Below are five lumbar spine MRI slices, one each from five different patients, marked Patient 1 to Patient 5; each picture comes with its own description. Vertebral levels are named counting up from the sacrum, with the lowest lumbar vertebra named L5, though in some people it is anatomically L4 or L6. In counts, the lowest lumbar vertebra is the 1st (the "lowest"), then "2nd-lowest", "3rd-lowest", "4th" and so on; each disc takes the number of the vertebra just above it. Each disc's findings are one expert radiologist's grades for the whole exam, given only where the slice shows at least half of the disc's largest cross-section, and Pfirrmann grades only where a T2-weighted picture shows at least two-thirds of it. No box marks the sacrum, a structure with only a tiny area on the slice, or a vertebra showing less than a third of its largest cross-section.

Patient 1 of 5:
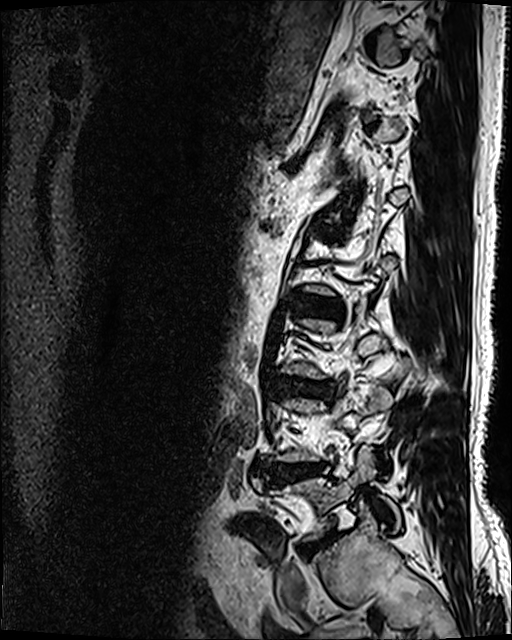 512x640 px; Slice 34 of 120; T2 SPACE (3D) sagittal MRI of the lumbar spine

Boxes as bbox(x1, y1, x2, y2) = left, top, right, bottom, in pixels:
L3/L4 (3rd-lowest disc): bbox(275, 377, 333, 398)
disc L5/S1 (lowest disc): bbox(311, 540, 328, 547)
L5 (lowest vertebra): bbox(282, 445, 400, 540)
disc L2/L3 (4th disc): bbox(308, 299, 335, 313)
L4/L5 (2nd-lowest disc): bbox(272, 464, 322, 481)

Per-level radiological findings:
- L3/L4 (3rd-lowest disc): Modic type II, disc narrowing, lower-endplate change, disc bulging

Patient 2 of 5:
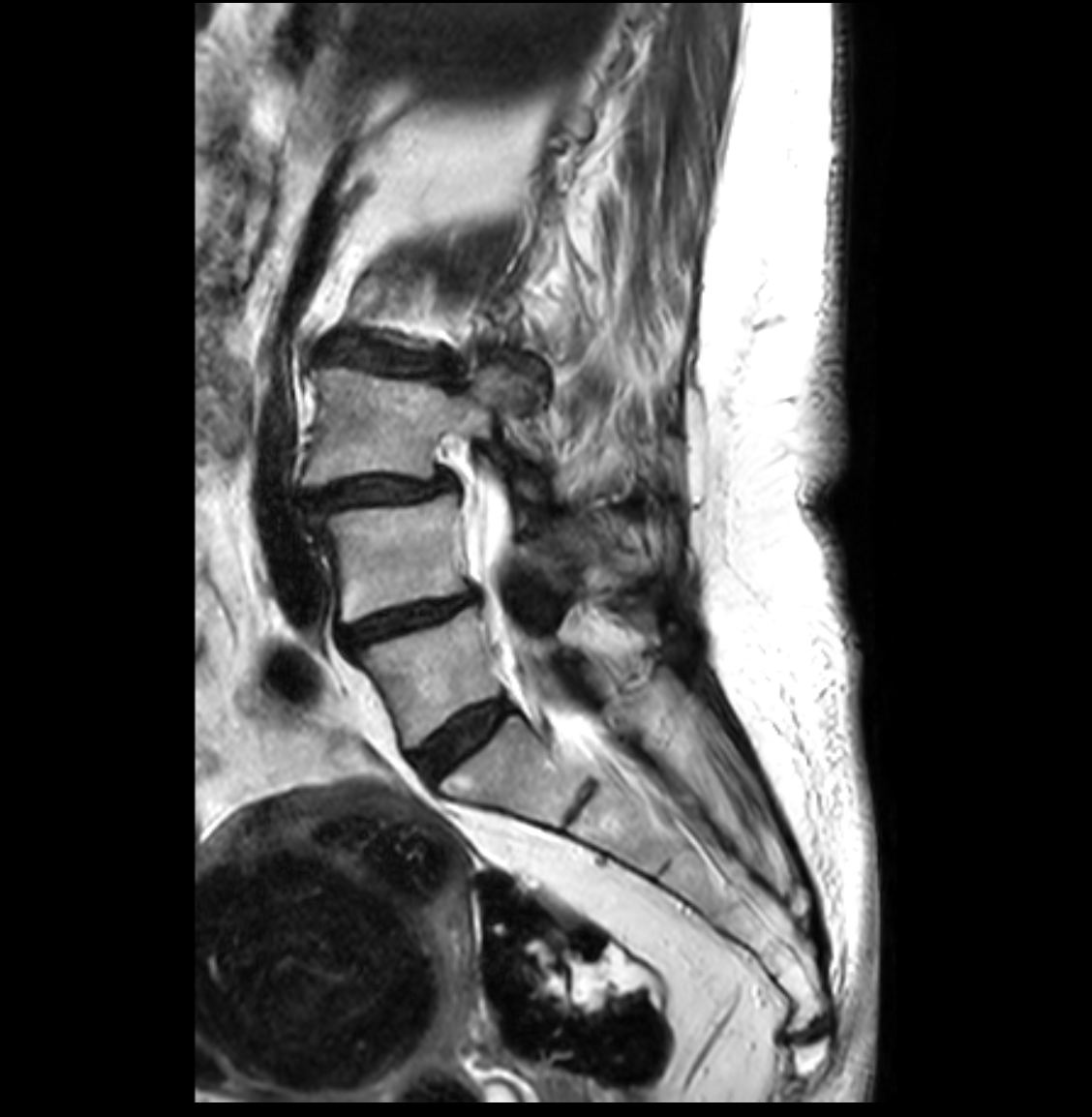 Lumbar spine MR, T2-weighted, sagittal

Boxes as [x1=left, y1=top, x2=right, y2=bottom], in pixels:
spinal canal — [x1=451, y1=440, x2=601, y2=731] | L3 — [x1=305, y1=366, x2=528, y2=487] | L3/L4 — [x1=305, y1=474, x2=452, y2=515] | L2/L3 — [x1=319, y1=338, x2=455, y2=379] | L4 — [x1=315, y1=495, x2=614, y2=622] | L4/L5 — [x1=342, y1=592, x2=477, y2=649] | L5/S1 — [x1=414, y1=701, x2=508, y2=779] | L5 — [x1=358, y1=608, x2=560, y2=746]

Radiological gradings:
  L3/L4: Pfirrmann grade 4, disc bulging, disc narrowing, spondylolisthesis
  L4/L5: Pfirrmann grade 4, disc narrowing, disc bulging
  L2/L3: Pfirrmann grade 4, lower-endplate change, disc bulging, disc narrowing, upper-endplate change
  L5/S1: Pfirrmann grade 2

Patient 3 of 5:
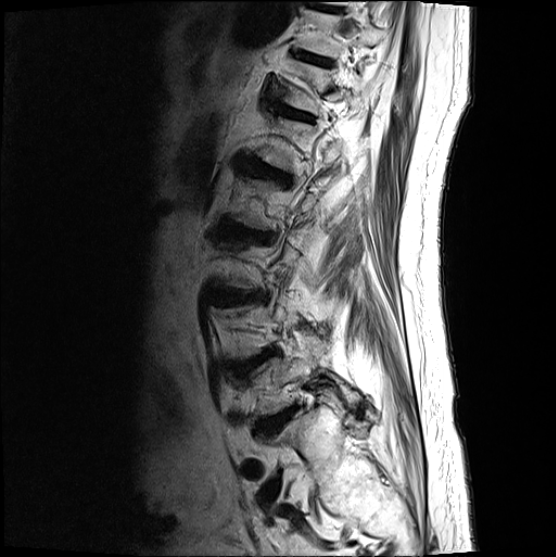 MRI lumbar spine (T2-weighted), sagittal plane

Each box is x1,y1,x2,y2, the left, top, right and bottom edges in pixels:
L5 = 246,350,360,415 | IVD L2/L3 = 250,233,270,239 | L3/L4 = 214,290,264,305 | L1/L2 = 240,159,290,182 | IVD L4/L5 = 236,348,276,375 | IVD L5/S1 = 259,407,295,433 | T11 = 296,9,387,57 | T11/T12 = 295,50,333,65 | IVD T12/L1 = 275,104,313,120

Radiological gradings:
• T11/T12: lower-endplate change
• L1/L2: upper-endplate change, disc bulging, lower-endplate change
• T12/L1: no herniation, bulging, narrowing, spondylolisthesis, endplate or Modic change recorded

Patient 4 of 5:
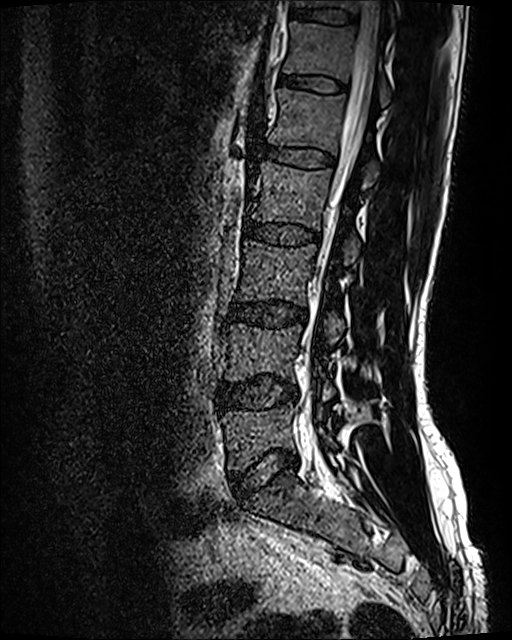 Sagittal T2 SPACE (3D) lumbar spine MRI | Sagittal slice index 67
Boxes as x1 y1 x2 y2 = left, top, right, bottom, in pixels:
T11/T12 at 290 7 356 24, T11 at 294 0 390 12, L5 vertebra at 221 402 336 471, IVD L4/L5 at 221 375 297 408, L1 at 268 88 378 186, T12 at 283 21 391 105, L3/L4 at 229 302 305 327, IVD T12/L1 at 280 75 344 92, spinal canal at 313 1 384 292, L3 at 236 240 344 343, L4 at 225 324 335 400, L2 vertebra at 247 160 360 264, IVD L2/L3 at 244 222 318 245, IVD L1/L2 at 261 144 333 167, IVD L5/S1 at 231 451 298 497.

Expert MSK radiologist gradings (per disc):
  T11/T12: Pfirrmann grade 2
  L1/L2: Pfirrmann grade 2
  L5/S1: Pfirrmann grade 2, disc bulging
  L2/L3: Pfirrmann grade 2
  T12/L1: Pfirrmann grade 2
  L4/L5: Pfirrmann grade 2, disc bulging
  L3/L4: Pfirrmann grade 2, disc bulging

Patient 5 of 5:
Philips Healthcare Ingenia (3T) | Sex M | Sagittal T1-weighted lumbar spine MRI | 1092x1108 px
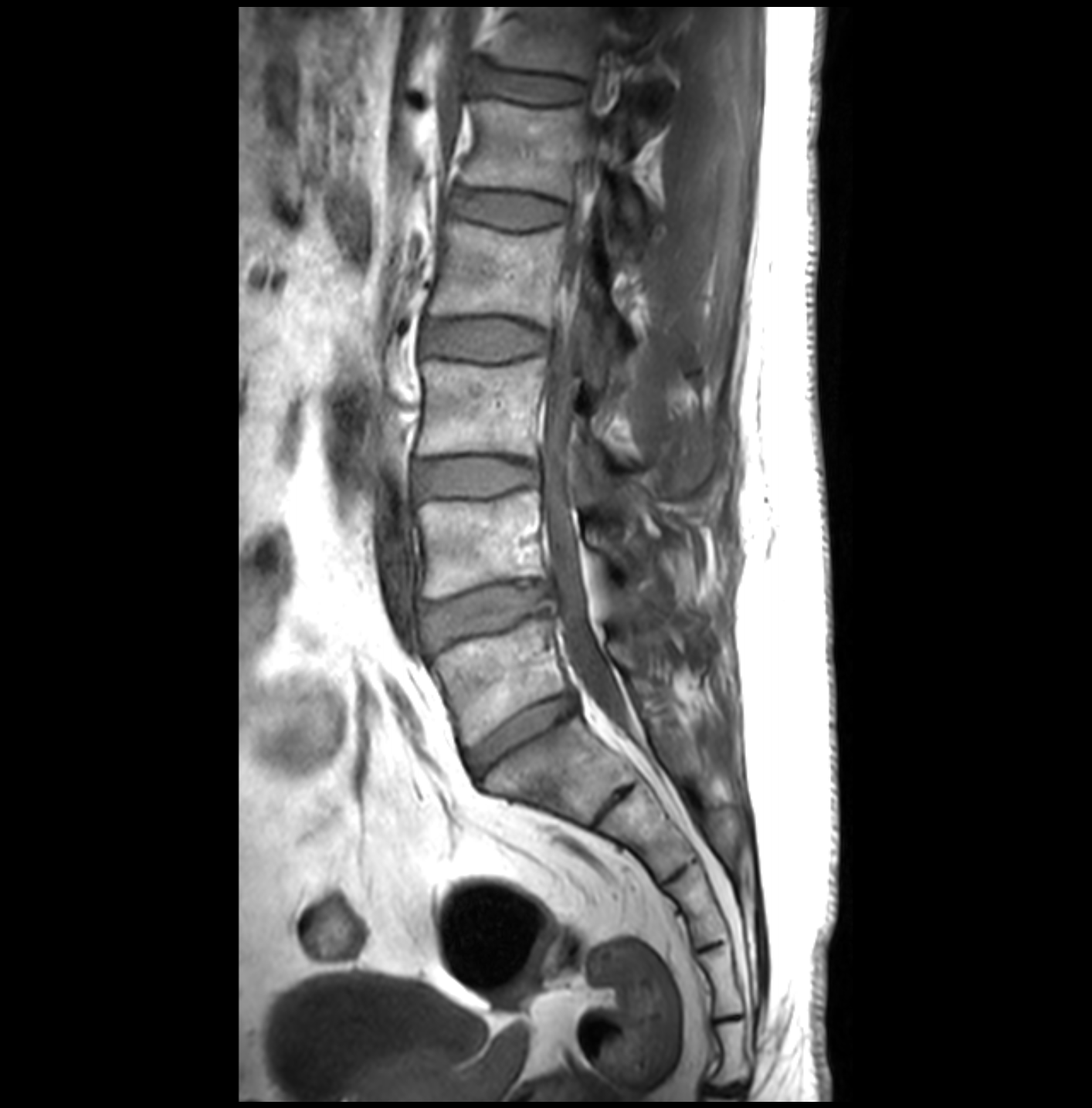

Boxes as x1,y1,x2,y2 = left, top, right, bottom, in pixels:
Segmented structures:
- L4 at 416,490,656,600
- spinal canal at 541,156,629,729
- L3 vertebra at 418,358,651,491
- disc T12/L1 at 481,72,586,102
- L5/S1 at 467,695,576,776
- L3/L4 at 413,459,538,496
- disc L2/L3 at 422,322,547,358
- L1 at 463,100,647,235
- L2 at 430,222,632,347
- L5 at 432,617,658,746
- disc L4/L5 at 423,582,550,647
- disc L1/L2 at 449,193,565,227
- T12 at 498,8,647,77

Per-level radiological findings:
- L4/L5: disc herniation
- L2/L3, T12/L1, L3/L4, L1/L2, L5/S1: no herniation, bulging, narrowing, spondylolisthesis, endplate or Modic change recorded